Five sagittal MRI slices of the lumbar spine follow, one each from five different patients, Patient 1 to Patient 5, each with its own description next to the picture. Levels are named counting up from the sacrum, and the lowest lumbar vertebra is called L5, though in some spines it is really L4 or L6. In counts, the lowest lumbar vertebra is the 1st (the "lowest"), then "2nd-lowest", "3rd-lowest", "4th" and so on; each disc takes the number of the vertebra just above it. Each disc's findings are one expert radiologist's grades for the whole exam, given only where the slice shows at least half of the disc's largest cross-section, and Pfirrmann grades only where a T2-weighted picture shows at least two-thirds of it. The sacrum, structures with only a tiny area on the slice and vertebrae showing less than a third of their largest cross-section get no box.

Patient 1 of 5:
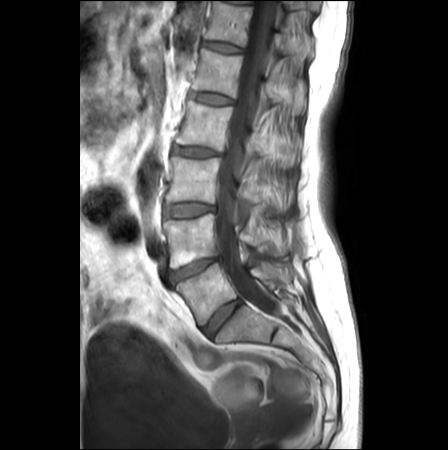 Field of view 280x281 mm, slice spacing 3.3 mm; MRI lumbar spine (T1-weighted), sagittal plane; Patient sex: F; Slice 15 of 26
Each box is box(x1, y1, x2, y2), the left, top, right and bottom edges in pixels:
{"4th disc": "box(173, 146, 220, 156)", "2nd-lowest vertebra": "box(164, 214, 287, 269)", "3rd-lowest vertebra": "box(166, 157, 290, 209)", "2nd-lowest disc": "box(167, 257, 219, 282)", "lowest vertebra": "box(176, 263, 291, 324)", "spinal canal": "box(214, 0, 278, 313)", "6th vertebra": "box(205, 1, 312, 57)", "3rd-lowest disc": "box(165, 203, 213, 217)", "4th vertebra": "box(175, 101, 298, 167)", "lowest disc": "box(202, 300, 241, 336)", "6th disc": "box(203, 41, 241, 52)", "5th vertebra": "box(193, 48, 306, 115)", "5th disc": "box(190, 93, 232, 104)"}

Per-level radiological findings:
  4th disc: disc bulging
  3rd-lowest disc: disc bulging
  2nd-lowest disc: upper-endplate change, disc herniation, lower-endplate change, Modic type II, disc narrowing
  5th disc, 6th disc, lowest disc: no spondylolisthesis, narrowing, bulging, herniation, Modic or endplate change recorded

Patient 2 of 5:
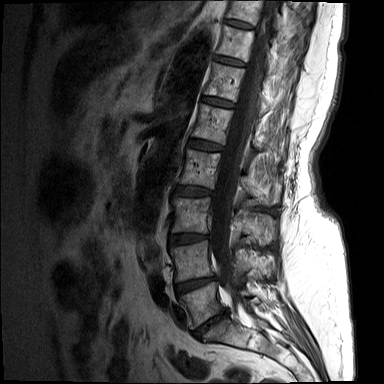 T1-weighted sagittal MRI of the lumbar spine.
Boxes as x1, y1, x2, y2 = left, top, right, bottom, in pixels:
L2 vertebra: 180, 149, 280, 205 | L1/L2: 188, 139, 222, 151 | IVD L4/L5: 175, 276, 216, 293 | IVD L3/L4: 169, 233, 209, 245 | L2/L3: 174, 186, 213, 196 | T11 vertebra: 216, 25, 274, 69 | L5/S1: 193, 310, 228, 337 | T11/T12: 215, 56, 244, 66 | L3: 172, 197, 276, 244 | L1 vertebra: 192, 104, 286, 159 | T10 vertebra: 227, 0, 281, 31 | T12/L1: 202, 97, 234, 107 | spinal canal: 211, 0, 273, 320 | T12 vertebra: 205, 62, 269, 112 | L4 vertebra: 170, 240, 273, 281 | L5: 179, 282, 252, 328 | T10/T11: 226, 20, 254, 29

Degenerative findings by level:
• L5/S1: Modic type II, disc bulging, disc narrowing
• L1/L2: Modic type II
• L2/L3: Modic type II, disc bulging
• L3/L4: disc narrowing, disc bulging
• L4/L5: disc bulging, disc narrowing
• T11/T12, T10/T11, T12/L1: no spondylolisthesis, narrowing, bulging, herniation, Modic or endplate change recorded

Patient 3 of 5:
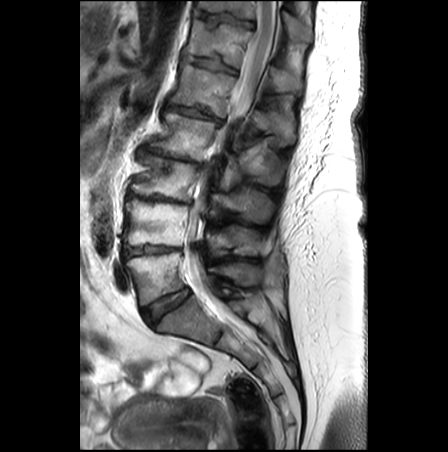
Slice 14 of 28. Patient sex: F. Sagittal T2-weighted lumbar spine MRI.

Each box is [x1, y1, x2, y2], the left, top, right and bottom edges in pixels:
L4 vertebra at [122, 199, 265, 255], L5 at [125, 252, 258, 305], L1 vertebra at [172, 64, 296, 145], L3 vertebra at [131, 147, 272, 220], disc L3/L4 at [127, 191, 192, 204], disc L1/L2 at [168, 103, 221, 123], T12 vertebra at [185, 17, 302, 91], T11 at [198, 1, 311, 48], L5/S1 at [142, 288, 189, 325], spinal canal at [185, 0, 278, 319], T11/T12 at [192, 9, 256, 27], L2/L3 at [144, 146, 200, 166], T12/L1 at [181, 52, 237, 73], L4/L5 at [122, 246, 180, 258], L2 vertebra at [150, 108, 286, 186].

Radiological gradings:
- T11/T12: Pfirrmann grade 3, lower-endplate change, upper-endplate change
- L5/S1: Pfirrmann grade 2
- L4/L5: disc narrowing, lower-endplate change, Modic type II, disc bulging, upper-endplate change
- T12/L1: Pfirrmann grade 3, upper-endplate change, Modic type II, lower-endplate change
- L3/L4: Pfirrmann grade 5, upper-endplate change, lower-endplate change, Modic type II, disc narrowing, disc bulging
- L1/L2: Pfirrmann grade 5, lower-endplate change, disc bulging, disc narrowing, Modic type II, upper-endplate change, spondylolisthesis

Patient 4 of 5:
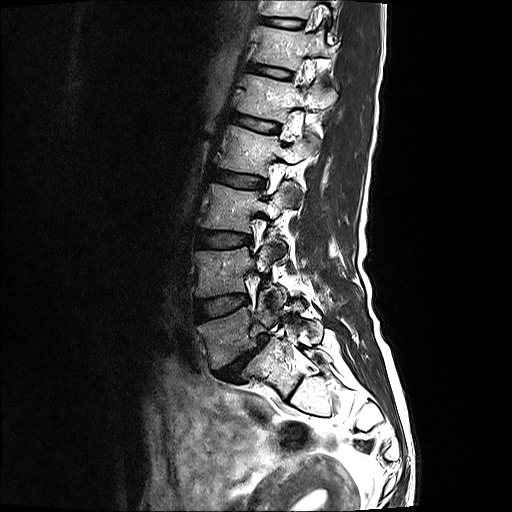 MRI lumbar spine (T2-weighted), sagittal plane
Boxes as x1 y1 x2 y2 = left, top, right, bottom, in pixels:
* L1 (5th vertebra) at 239 74 337 121
* L2 (4th vertebra) at 221 126 319 197
* disc L3/L4 (3rd-lowest disc) at 198 230 252 248
* T11 (7th vertebra) at 263 0 339 17
* disc L5/S1 (lowest disc) at 215 334 267 381
* disc T11/T12 (7th disc) at 262 17 303 28
* disc L2/L3 (4th disc) at 214 169 265 189
* T12 (6th vertebra) at 254 26 333 69
* L3 (3rd-lowest vertebra) at 204 183 293 255
* L1/L2 (5th disc) at 232 114 280 132
* L4/L5 (2nd-lowest disc) at 195 295 249 321
* L4 (2nd-lowest vertebra) at 197 242 287 308
* disc T12/L1 (6th disc) at 249 63 292 78
* L5 (lowest vertebra) at 199 293 323 368

Per-level radiological findings:
- L4/L5 (2nd-lowest disc): Pfirrmann grade 2
- L3/L4 (3rd-lowest disc): Pfirrmann grade 2
- L2/L3 (4th disc): Pfirrmann grade 2
- L5/S1 (lowest disc): Pfirrmann grade 5, Modic type II, disc bulging, disc narrowing, spondylolisthesis
- T12/L1 (6th disc): Pfirrmann grade 2
- L1/L2 (5th disc): Pfirrmann grade 2
- T11/T12 (7th disc): Pfirrmann grade 2

Patient 5 of 5:
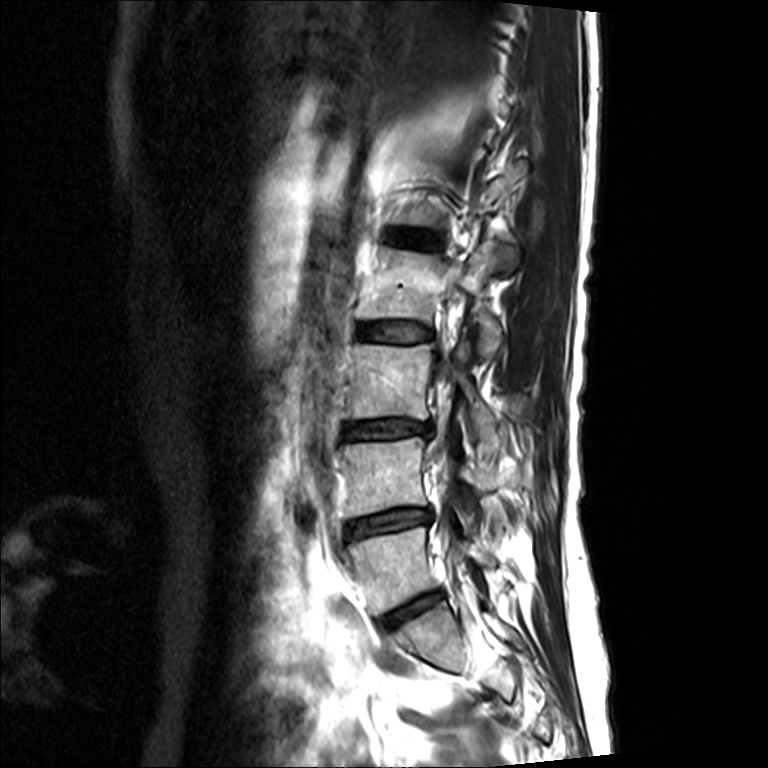 Sagittal slice index 4, MRI lumbar spine (T2-weighted), sagittal plane, Field of view 280x280 mm, slice spacing 4.4 mm
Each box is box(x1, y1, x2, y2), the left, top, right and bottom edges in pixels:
• lowest vertebra: box(341, 526, 495, 614)
• lowest disc: box(382, 592, 442, 631)
• 2nd-lowest disc: box(346, 508, 432, 540)
• 2nd-lowest vertebra: box(336, 437, 498, 530)
• 3rd-lowest vertebra: box(347, 331, 496, 439)
• 4th disc: box(357, 322, 432, 341)
• 4th vertebra: box(359, 241, 518, 355)
• 3rd-lowest disc: box(342, 419, 432, 439)
• 5th disc: box(390, 229, 442, 248)

Expert MSK radiologist gradings (per disc):
• lowest disc: disc bulging, disc narrowing
• 4th disc: Pfirrmann grade 2, Modic type II
• 3rd-lowest disc: Pfirrmann grade 4, disc bulging, disc narrowing
• 2nd-lowest disc: Pfirrmann grade 4, disc bulging, disc narrowing
• 5th disc: no herniation, bulging, narrowing, spondylolisthesis, endplate or Modic change recorded